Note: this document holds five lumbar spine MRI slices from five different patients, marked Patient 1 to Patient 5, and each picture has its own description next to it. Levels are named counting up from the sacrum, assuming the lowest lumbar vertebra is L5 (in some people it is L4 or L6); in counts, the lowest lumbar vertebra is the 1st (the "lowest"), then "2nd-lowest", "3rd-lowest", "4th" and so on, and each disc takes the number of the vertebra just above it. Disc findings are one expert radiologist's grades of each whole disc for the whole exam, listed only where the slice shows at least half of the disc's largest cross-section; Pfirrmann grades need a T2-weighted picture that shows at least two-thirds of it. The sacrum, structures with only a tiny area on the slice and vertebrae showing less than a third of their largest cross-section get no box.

Patient 1 of 5:
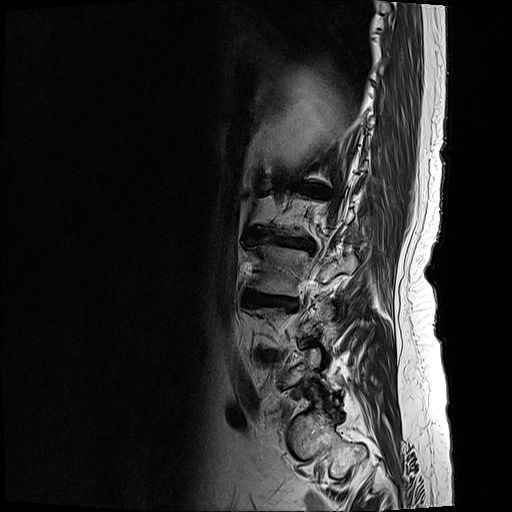 Image 512x512, T2-weighted sagittal MRI of the lumbar spine, Slice 19 of 21
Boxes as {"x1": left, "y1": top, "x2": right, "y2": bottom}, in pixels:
L2/L3 — {"x1": 253, "y1": 231, "x2": 313, "y2": 252}.
L3 vertebra — {"x1": 253, "y1": 246, "x2": 357, "y2": 295}.
Disc L3/L4 — {"x1": 243, "y1": 293, "x2": 294, "y2": 309}.

Degenerative findings by level:
- L3/L4: Pfirrmann grade 5, upper-endplate change, lower-endplate change, disc narrowing, disc bulging, Modic type II
- L2/L3: Pfirrmann grade 5, Modic type II, lower-endplate change, upper-endplate change, disc bulging, disc narrowing

Patient 2 of 5:
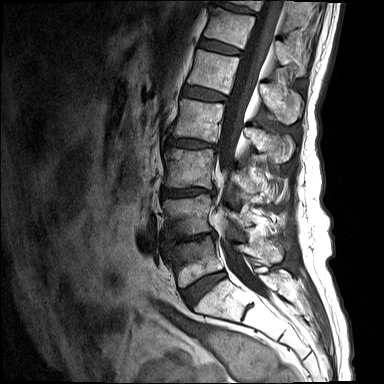
Slice spacing 4.4 mm; Sagittal T1-weighted lumbar spine MRI; Sagittal slice index 6

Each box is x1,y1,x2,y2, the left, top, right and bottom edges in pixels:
7th vertebra: 229,0,300,28.
6th vertebra: 204,6,308,76.
2nd-lowest vertebra: 163,194,250,238.
Spinal canal: 217,0,283,292.
5th disc: 182,86,227,101.
6th disc: 200,38,242,56.
2nd-lowest disc: 163,232,215,249.
3rd-lowest disc: 162,188,216,196.
3rd-lowest vertebra: 164,148,255,200.
4th disc: 166,138,219,149.
Lowest vertebra: 167,236,261,287.
7th disc: 212,0,256,15.
4th vertebra: 173,99,289,160.
Lowest disc: 182,272,225,306.
5th vertebra: 187,49,302,124.

Per-level radiological findings:
- lowest disc: Modic type II, disc bulging
- 7th disc: upper-endplate change, lower-endplate change
- 3rd-lowest disc: Modic type II, disc narrowing, disc bulging, lower-endplate change, disc herniation, upper-endplate change
- 4th disc: upper-endplate change, Modic type II, disc narrowing, lower-endplate change, disc bulging
- 2nd-lowest disc: lower-endplate change, Modic type I, disc narrowing, disc bulging, upper-endplate change
- 5th disc, 6th disc: no spondylolisthesis, narrowing, bulging, herniation, Modic or endplate change recorded

Patient 3 of 5:
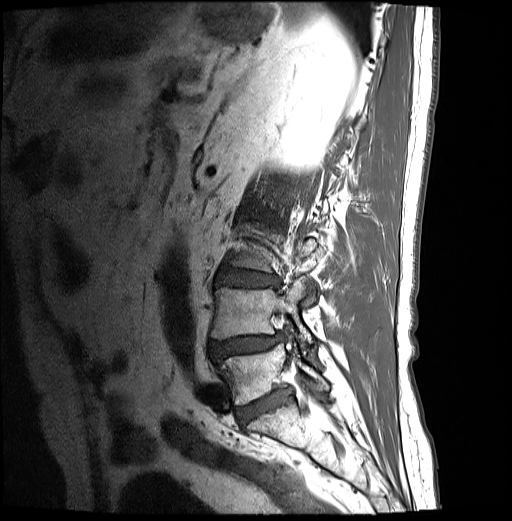
Slice 22 of 30; Lumbar spine MR, T1-weighted, sagittal; Patient sex: M; Field of view 300x305 mm
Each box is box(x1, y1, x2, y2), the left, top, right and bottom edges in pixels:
{"IVD L4/L5": "box(210, 335, 282, 358)", "L4 vertebra": "box(211, 277, 315, 357)", "L5": "box(218, 344, 328, 405)", "IVD L5/S1": "box(237, 389, 290, 426)", "L3/L4": "box(216, 270, 279, 287)"}

Per-level radiological findings:
- L4/L5: lower-endplate change, Modic type II, upper-endplate change, disc narrowing, disc herniation, spondylolisthesis, disc bulging
- L3/L4: lower-endplate change, upper-endplate change, disc bulging
- L5/S1: no spondylolisthesis, narrowing, bulging, herniation, Modic or endplate change recorded

Patient 4 of 5:
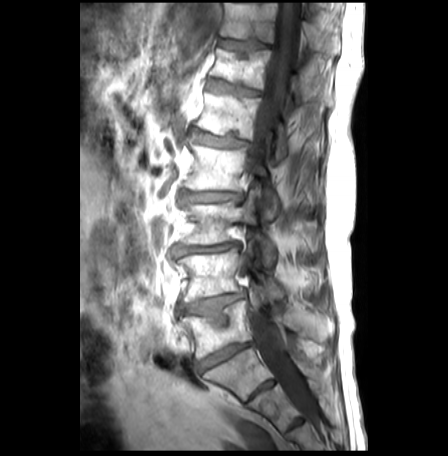 Patient sex: M; Image 448x456; Slice 20 of 30; Field of view 280x285 mm; T1-weighted sagittal MRI of the lumbar spine
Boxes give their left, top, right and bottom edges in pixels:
L3/L4: left=174, top=244, right=236, bottom=256
L1: left=196, top=94, right=284, bottom=165
intervertebral disc L5/S1: left=198, top=343, right=251, bottom=371
T11/T12: left=217, top=39, right=270, bottom=58
thecal sac / spinal canal: left=250, top=3, right=306, bottom=406
T12 vertebra: left=209, top=49, right=330, bottom=105
T12/L1: left=206, top=80, right=259, bottom=97
L2 vertebra: left=187, top=143, right=276, bottom=220
L3: left=178, top=191, right=273, bottom=266
intervertebral disc L2/L3: left=184, top=193, right=241, bottom=203
L4/L5: left=178, top=293, right=246, bottom=322
L1/L2: left=190, top=132, right=249, bottom=149
L5: left=183, top=301, right=326, bottom=360
L4 vertebra: left=176, top=242, right=285, bottom=303
T11: left=220, top=3, right=340, bottom=55

Degenerative findings by level:
  T12/L1: disc bulging, Modic type II, lower-endplate change, upper-endplate change
  T11/T12: lower-endplate change, Modic type II, upper-endplate change
  L4/L5: lower-endplate change, disc bulging, Modic type II, upper-endplate change
  L5/S1: disc narrowing, Modic type II, disc bulging
  L1/L2: lower-endplate change, disc bulging, Modic type II, upper-endplate change

Patient 5 of 5:
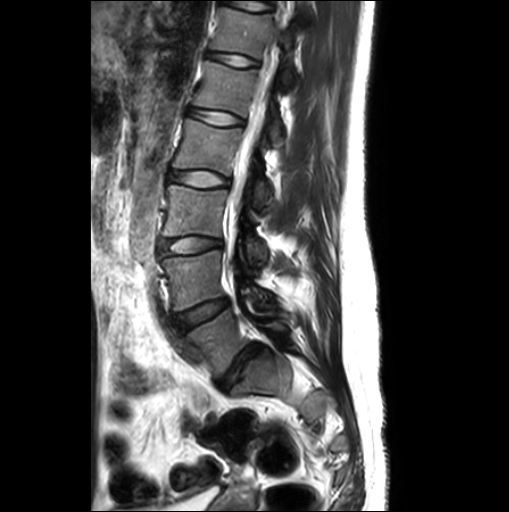 Image 509x512, Sagittal slice index 15, Lumbar spine MR, T2-weighted, sagittal
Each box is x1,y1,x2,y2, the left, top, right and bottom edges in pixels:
L3 (3rd-lowest vertebra): 164,184,266,264 | IVD L1/L2 (5th disc): 189,108,242,125 | L5/S1 (lowest disc): 217,344,263,390 | L5 (lowest vertebra): 186,309,288,376 | IVD L2/L3 (4th disc): 166,170,229,186 | L1 (5th vertebra): 193,61,280,143 | spinal canal: 230,70,272,211 | T12/L1 (6th disc): 207,51,258,66 | L2 (4th vertebra): 173,119,270,207 | T12 (6th vertebra): 210,6,294,87 | IVD L3/L4 (3rd-lowest disc): 157,236,222,259 | L4 (2nd-lowest vertebra): 161,250,268,310 | L4/L5 (2nd-lowest disc): 175,298,228,328

Per-level radiological findings:
- L2/L3 (4th disc): Pfirrmann grade 1
- T12/L1 (6th disc): Pfirrmann grade 1
- L1/L2 (5th disc): Pfirrmann grade 1
- L5/S1 (lowest disc): Pfirrmann grade 3, upper-endplate change, lower-endplate change, disc bulging
- L4/L5 (2nd-lowest disc): Pfirrmann grade 1, disc bulging
- L3/L4 (3rd-lowest disc): Pfirrmann grade 1, disc bulging